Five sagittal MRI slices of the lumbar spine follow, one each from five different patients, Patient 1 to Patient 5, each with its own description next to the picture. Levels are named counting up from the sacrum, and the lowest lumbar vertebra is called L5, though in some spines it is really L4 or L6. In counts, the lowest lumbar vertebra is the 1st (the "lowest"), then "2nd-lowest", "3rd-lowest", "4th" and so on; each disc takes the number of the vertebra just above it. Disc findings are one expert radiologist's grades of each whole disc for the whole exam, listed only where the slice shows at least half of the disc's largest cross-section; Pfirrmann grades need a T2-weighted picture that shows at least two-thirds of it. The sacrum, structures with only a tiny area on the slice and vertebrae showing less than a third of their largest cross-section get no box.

Patient 1 of 5:
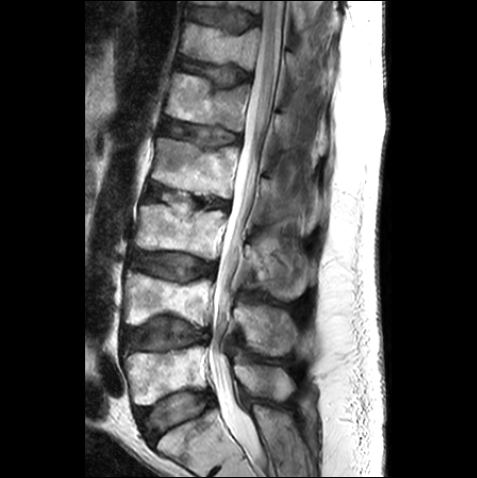 T2-weighted sagittal MRI of the lumbar spine. Sagittal slice index 13. Patient sex: M.
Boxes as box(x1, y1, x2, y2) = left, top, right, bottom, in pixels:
{"L3 vertebra": "box(132, 204, 314, 300)", "IVD L3/L4": "box(132, 252, 214, 280)", "L2/L3": "box(146, 183, 228, 211)", "T12": "box(180, 22, 306, 85)", "L4": "box(123, 270, 298, 356)", "T11 vertebra": "box(191, 0, 308, 30)", "L5": "box(123, 345, 294, 405)", "IVD L5/S1": "box(135, 391, 212, 442)", "IVD L1/L2": "box(162, 120, 240, 145)", "L1": "box(165, 72, 298, 147)", "IVD L4/L5": "box(122, 317, 208, 350)", "L2 vertebra": "box(151, 138, 281, 210)", "T11/T12": "box(189, 7, 258, 31)", "spinal canal": "box(209, 0, 284, 459)", "IVD T12/L1": "box(178, 59, 250, 86)"}

Degenerative findings by level:
- T12/L1: Pfirrmann grade 3, upper-endplate change
- T11/T12: Pfirrmann grade 2
- L3/L4: Pfirrmann grade 2
- L4/L5: Pfirrmann grade 2, lower-endplate change
- L5/S1: Pfirrmann grade 1
- L1/L2: Pfirrmann grade 3
- L2/L3: Pfirrmann grade 3, upper-endplate change

Patient 2 of 5:
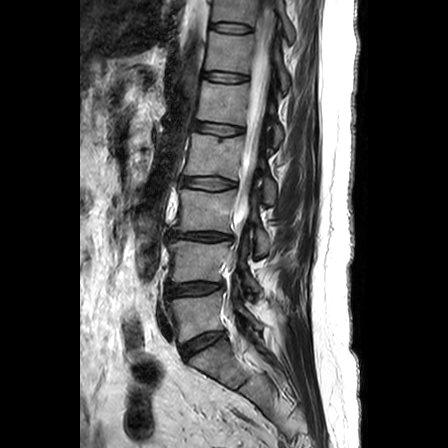
Sagittal slice index 15; Lumbar spine MR, T2-weighted, sagittal; 448x448 px; Sex F
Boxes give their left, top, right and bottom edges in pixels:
Annotations:
* spinal canal — left=235, top=0, right=273, bottom=222
* intervertebral disc L1/L2 — left=195, top=122, right=242, bottom=135
* L4 vertebra — left=168, top=240, right=260, bottom=291
* intervertebral disc L4/L5 — left=167, top=283, right=223, bottom=296
* L3 — left=173, top=189, right=270, bottom=257
* L2 — left=184, top=133, right=276, bottom=203
* intervertebral disc L3/L4 — left=169, top=232, right=231, bottom=240
* L5/S1 — left=181, top=332, right=223, bottom=357
* intervertebral disc T12/L1 — left=203, top=72, right=247, bottom=83
* T11 vertebra — left=212, top=0, right=295, bottom=41
* intervertebral disc L2/L3 — left=182, top=177, right=234, bottom=189
* L5 vertebra — left=167, top=291, right=262, bottom=343
* intervertebral disc T11/T12 — left=210, top=23, right=251, bottom=32
* T12 vertebra — left=205, top=31, right=289, bottom=95
* L1 — left=197, top=81, right=283, bottom=146

Radiological gradings:
  T11/T12: Pfirrmann grade 1
  L4/L5: Pfirrmann grade 3, disc bulging
  L3/L4: Pfirrmann grade 3, disc narrowing, disc herniation, lower-endplate change, Modic type II, upper-endplate change
  T12/L1: Pfirrmann grade 2
  L5/S1: Pfirrmann grade 3
  L2/L3: Pfirrmann grade 1
  L1/L2: Pfirrmann grade 2

Patient 3 of 5:
Image 512x512; Lumbar spine MR, T2-weighted, sagittal; Sagittal slice index 11; Sex F; Slice spacing 3.3 mm 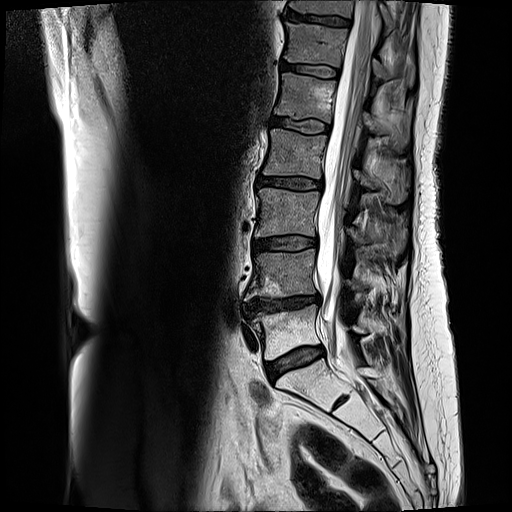
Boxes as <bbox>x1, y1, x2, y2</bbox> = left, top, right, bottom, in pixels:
{"disc T11/T12": "<bbox>284, 11, 350, 25</bbox>", "L2 vertebra": "<bbox>264, 129, 403, 202</bbox>", "L3/L4": "<bbox>254, 237, 316, 250</bbox>", "disc L4/L5": "<bbox>244, 295, 318, 314</bbox>", "disc L1/L2": "<bbox>270, 117, 329, 133</bbox>", "L4 vertebra": "<bbox>245, 249, 362, 305</bbox>", "L3 vertebra": "<bbox>255, 188, 402, 249</bbox>", "L2/L3": "<bbox>257, 177, 322, 189</bbox>", "T12": "<bbox>285, 22, 414, 83</bbox>", "thecal sac / spinal canal": "<bbox>318, 1, 377, 353</bbox>", "disc L5/S1": "<bbox>267, 346, 322, 381</bbox>", "L1": "<bbox>275, 73, 405, 141</bbox>", "T12/L1": "<bbox>281, 62, 339, 78</bbox>", "T11": "<bbox>288, 0, 393, 32</bbox>", "L5 vertebra": "<bbox>251, 305, 364, 359</bbox>"}

Radiological gradings:
• L5/S1: Pfirrmann grade 3, Modic type II, disc bulging
• T12/L1: Pfirrmann grade 3, Modic type II
• T11/T12: Pfirrmann grade 4, Modic type II, lower-endplate change, upper-endplate change
• L3/L4: Pfirrmann grade 3, Modic type II, disc bulging
• L4/L5: Pfirrmann grade 4, lower-endplate change, Modic type II, disc bulging, disc narrowing, upper-endplate change
• L1/L2: Pfirrmann grade 3, Modic type II
• L2/L3: Pfirrmann grade 3, Modic type II, disc bulging

Patient 4 of 5:
Patient sex: F; T2-weighted sagittal MRI of the lumbar spine; 545x549 px

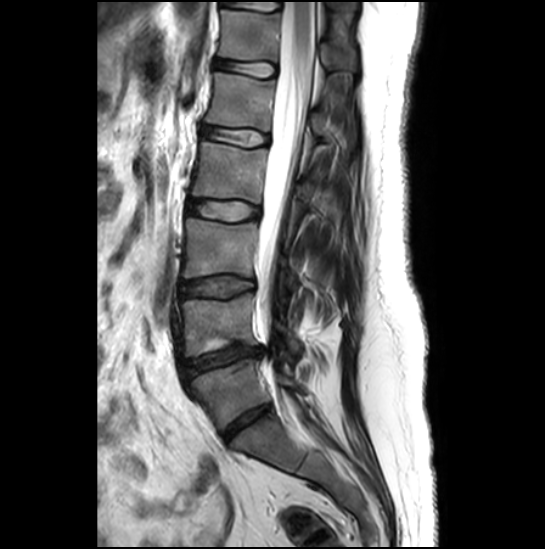

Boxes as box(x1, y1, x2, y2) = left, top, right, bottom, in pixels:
Annotations:
- lowest vertebra — box(191, 360, 303, 429)
- 3rd-lowest disc — box(181, 276, 252, 297)
- 5th disc — box(202, 126, 268, 146)
- lowest disc — box(223, 405, 270, 439)
- 4th vertebra — box(192, 142, 319, 203)
- 2nd-lowest vertebra — box(182, 293, 299, 357)
- 6th disc — box(214, 59, 275, 76)
- spinal canal — box(257, 0, 314, 324)
- 5th vertebra — box(206, 72, 327, 135)
- 6th vertebra — box(219, 10, 355, 69)
- 4th disc — box(187, 200, 258, 220)
- 2nd-lowest disc — box(186, 345, 261, 375)
- 3rd-lowest vertebra — box(184, 218, 297, 290)

Radiological gradings:
  5th disc: Pfirrmann grade 1
  3rd-lowest disc: Pfirrmann grade 2
  2nd-lowest disc: Pfirrmann grade 1, lower-endplate change, upper-endplate change, disc herniation, Modic type II, disc narrowing
  lowest disc: Pfirrmann grade 3, disc narrowing
  4th disc: Pfirrmann grade 4
  6th disc: Pfirrmann grade 1

Patient 5 of 5:
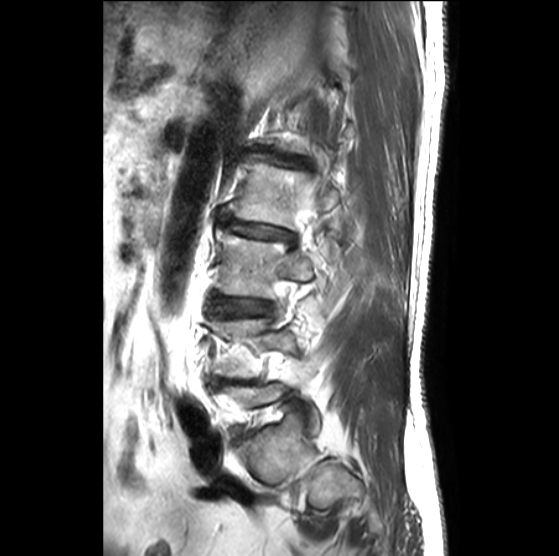 MRI lumbar spine (T2-weighted), sagittal plane; Sex M; Slice 22/27
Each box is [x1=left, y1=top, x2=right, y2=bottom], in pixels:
IVD L1/L2 (5th disc): [x1=246, y1=152, x2=304, y2=168] | L4 (2nd-lowest vertebra): [x1=211, y1=316, x2=295, y2=377] | L2 (4th vertebra): [x1=235, y1=158, x2=340, y2=229] | L3 (3rd-lowest vertebra): [x1=216, y1=228, x2=313, y2=297] | IVD L3/L4 (3rd-lowest disc): [x1=214, y1=296, x2=270, y2=316] | L4/L5 (2nd-lowest disc): [x1=212, y1=379, x2=254, y2=384] | L2/L3 (4th disc): [x1=222, y1=218, x2=295, y2=244]

Per-level radiological findings:
• L3/L4 (3rd-lowest disc): Pfirrmann grade 2, disc bulging
• L1/L2 (5th disc): lower-endplate change, disc narrowing, disc bulging, Modic type III, upper-endplate change
• L2/L3 (4th disc): Pfirrmann grade 3, Modic type II, lower-endplate change, upper-endplate change, disc bulging, disc narrowing